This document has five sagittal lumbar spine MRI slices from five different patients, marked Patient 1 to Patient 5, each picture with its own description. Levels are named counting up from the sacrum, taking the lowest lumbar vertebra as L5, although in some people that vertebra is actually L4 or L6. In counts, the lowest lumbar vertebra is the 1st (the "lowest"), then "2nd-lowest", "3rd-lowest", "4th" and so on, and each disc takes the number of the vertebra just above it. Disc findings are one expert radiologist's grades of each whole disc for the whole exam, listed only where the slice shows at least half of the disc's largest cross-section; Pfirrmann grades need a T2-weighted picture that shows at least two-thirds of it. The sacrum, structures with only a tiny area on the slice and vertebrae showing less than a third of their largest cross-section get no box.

Patient 1 of 5:
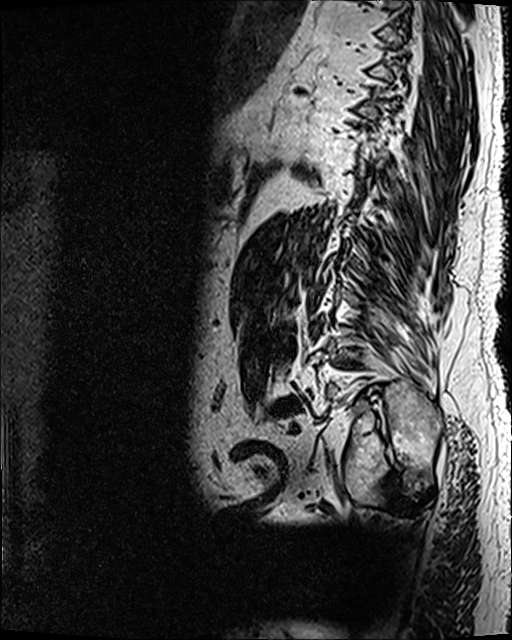 Sex M, MRI lumbar spine (T2 SPACE (3D)), sagittal plane
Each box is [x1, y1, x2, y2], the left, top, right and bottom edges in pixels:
Disc L3/L4 = [267, 337, 293, 351].
L4/L5 = [268, 395, 303, 415].

Patient 2 of 5:
Sagittal slice index 6. MRI lumbar spine (T2-weighted), sagittal plane.

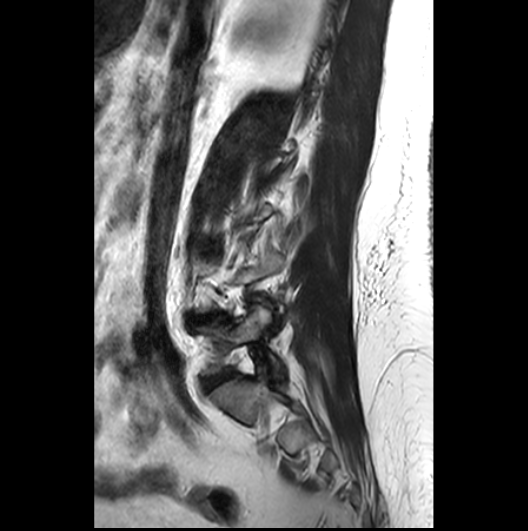
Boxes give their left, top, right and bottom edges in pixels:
L4/L5 at left=192, top=314, right=225, bottom=321.
L5/S1 at left=204, top=371, right=230, bottom=390.
L5 at left=198, top=306, right=284, bottom=381.

Patient 3 of 5:
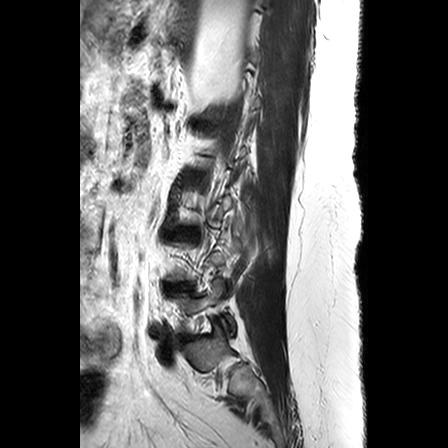 Image 448x448. MRI lumbar spine (T2-weighted), sagittal plane.

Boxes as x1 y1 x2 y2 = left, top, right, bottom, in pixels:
2nd-lowest disc = 166 283 188 289.
Lowest vertebra = 172 279 236 334.
3rd-lowest disc = 172 230 196 240.

Patient 4 of 5:
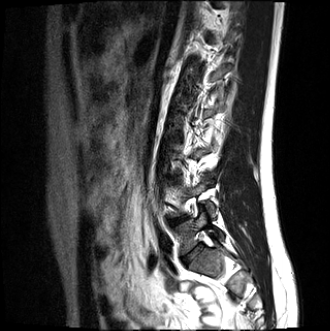 Sagittal T2-weighted lumbar spine MRI
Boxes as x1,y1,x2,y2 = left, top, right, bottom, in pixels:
L5 (lowest vertebra) at 175,211,223,253; intervertebral disc L5/S1 (lowest disc) at 185,245,201,261.

Patient 5 of 5:
448x451 px | Sagittal T2-weighted lumbar spine MRI | Scanner: Philips Healthcare Ingenia (3T) 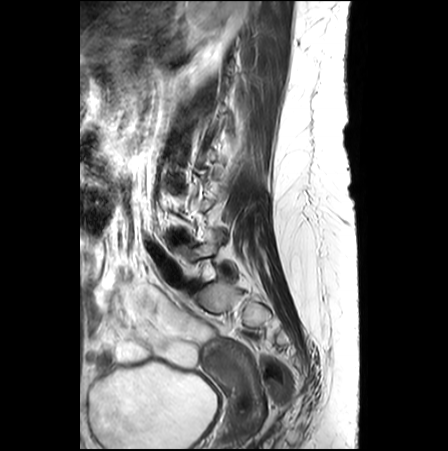
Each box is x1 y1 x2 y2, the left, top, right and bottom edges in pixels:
IVD L4/L5: 170 233 186 241.
L5: 175 230 236 279.
IVD L5/S1: 188 281 198 290.